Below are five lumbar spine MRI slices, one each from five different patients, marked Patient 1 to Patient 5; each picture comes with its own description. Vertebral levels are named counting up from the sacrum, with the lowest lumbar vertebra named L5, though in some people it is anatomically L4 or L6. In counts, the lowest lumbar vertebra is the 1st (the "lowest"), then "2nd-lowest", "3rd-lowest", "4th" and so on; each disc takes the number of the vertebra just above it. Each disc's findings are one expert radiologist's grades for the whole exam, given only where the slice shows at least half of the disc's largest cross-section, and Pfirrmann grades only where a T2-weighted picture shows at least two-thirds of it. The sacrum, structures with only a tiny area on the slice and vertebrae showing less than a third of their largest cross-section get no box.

Patient 1 of 5:
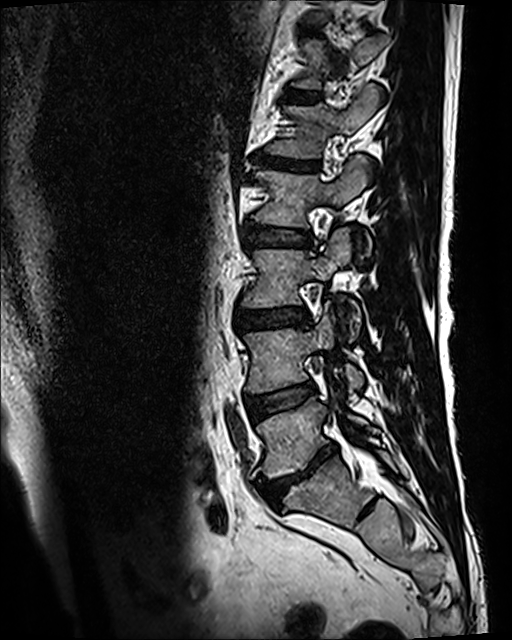

512x640 px | Sex M | Lumbar spine MR, T2 SPACE (3D), sagittal
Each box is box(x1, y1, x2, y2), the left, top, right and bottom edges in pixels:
{"L2/L3 (4th disc)": "box(244, 224, 311, 247)", "L2 (4th vertebra)": "box(254, 155, 368, 250)", "IVD L4/L5 (2nd-lowest disc)": "box(246, 383, 314, 417)", "T11/T12 (7th disc)": "box(305, 28, 320, 37)", "L5/S1 (lowest disc)": "box(259, 446, 335, 505)", "T12/L1 (6th disc)": "box(286, 90, 320, 102)", "L4 (2nd-lowest vertebra)": "box(244, 302, 363, 392)", "L3/L4 (3rd-lowest disc)": "box(236, 307, 310, 331)", "L1/L2 (5th disc)": "box(257, 158, 319, 171)", "L3 (3rd-lowest vertebra)": "box(241, 228, 361, 337)", "T12 (6th vertebra)": "box(292, 35, 389, 89)", "L1 (5th vertebra)": "box(267, 84, 383, 158)", "L5 (lowest vertebra)": "box(257, 392, 377, 477)"}

Degenerative findings by level:
• L4/L5 (2nd-lowest disc): Modic type II
• L5/S1 (lowest disc): Pfirrmann grade 5, disc narrowing, disc bulging, Modic type II, upper-endplate change, lower-endplate change
• L3/L4 (3rd-lowest disc): Pfirrmann grade 3, disc bulging, lower-endplate change, upper-endplate change
• L2/L3 (4th disc): Pfirrmann grade 3

Patient 2 of 5:
SIEMENS Avanto_fit (1.5T), Image 384x384, Slice 11/15, Lumbar spine MR, T2-weighted, sagittal, Field of view 260x260 mm, slice spacing 4.8 mm, Sex F
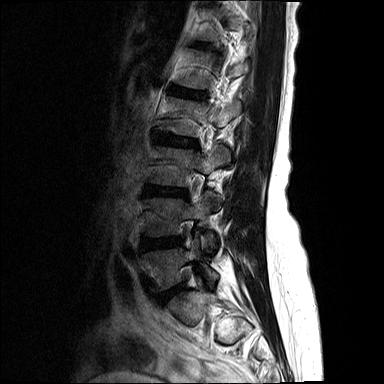
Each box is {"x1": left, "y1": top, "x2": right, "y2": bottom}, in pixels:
L3 vertebra: {"x1": 151, "y1": 145, "x2": 229, "y2": 207}
L2/L3: {"x1": 155, "y1": 134, "x2": 197, "y2": 147}
L5/S1: {"x1": 159, "y1": 285, "x2": 184, "y2": 303}
L4/L5: {"x1": 143, "y1": 237, "x2": 183, "y2": 249}
L5 vertebra: {"x1": 145, "y1": 235, "x2": 218, "y2": 290}
L2: {"x1": 159, "y1": 97, "x2": 241, "y2": 136}
L1: {"x1": 178, "y1": 49, "x2": 249, "y2": 88}
L4: {"x1": 145, "y1": 191, "x2": 216, "y2": 248}
L1/L2: {"x1": 173, "y1": 88, "x2": 203, "y2": 98}
disc L3/L4: {"x1": 145, "y1": 186, "x2": 187, "y2": 196}

Per-level radiological findings:
- L2/L3: Pfirrmann grade 3, lower-endplate change, disc bulging, upper-endplate change
- L4/L5: disc bulging
- L3/L4: disc narrowing, lower-endplate change, upper-endplate change, disc bulging
- L1/L2: no Modic or endplate change, herniation, narrowing, bulging or spondylolisthesis recorded

Patient 3 of 5:
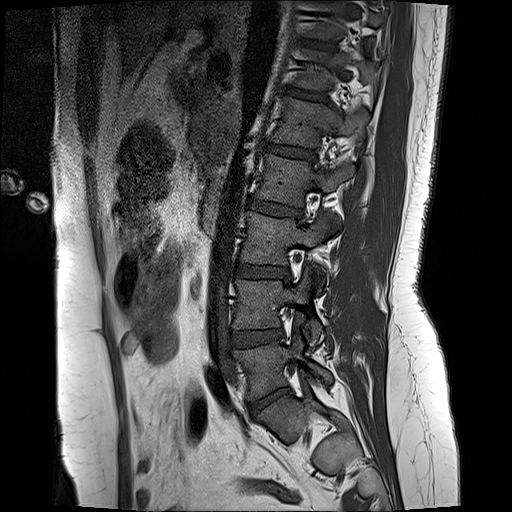

MRI lumbar spine (T1-weighted), sagittal plane | Image 512x512 | Slice 14/17
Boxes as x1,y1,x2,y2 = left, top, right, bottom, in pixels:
Annotations:
- 6th disc at 292,91,326,102
- 4th vertebra at 256,156,354,206
- 4th disc at 247,199,300,219
- lowest disc at 250,389,289,413
- 7th disc at 304,42,333,49
- lowest vertebra at 235,334,332,398
- 5th disc at 262,145,315,162
- 5th vertebra at 272,99,367,147
- 2nd-lowest disc at 232,330,284,347
- 3rd-lowest vertebra at 242,214,339,265
- 2nd-lowest vertebra at 235,267,321,345
- 3rd-lowest disc at 235,264,288,279

Expert MSK radiologist gradings (per disc):
• 6th disc: upper-endplate change, lower-endplate change
• 3rd-lowest disc: disc bulging
• 2nd-lowest disc: disc bulging
• 4th disc: disc bulging, lower-endplate change, upper-endplate change
• lowest disc: disc herniation, disc narrowing, disc bulging
• 5th disc: lower-endplate change, upper-endplate change

Patient 4 of 5:
Slice 9/15 | MRI lumbar spine (T2-weighted), sagittal plane | 320x320 px | Patient sex: F 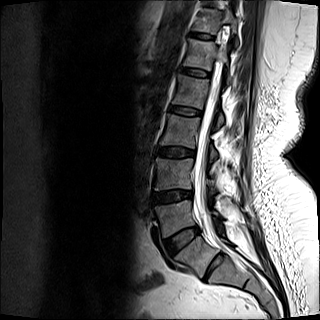

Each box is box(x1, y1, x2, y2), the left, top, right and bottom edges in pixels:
5th disc: box(181, 68, 210, 77)
2nd-lowest disc: box(153, 190, 192, 203)
4th vertebra: box(172, 74, 223, 128)
lowest vertebra: box(154, 200, 221, 237)
6th disc: box(191, 33, 213, 39)
3rd-lowest disc: box(158, 147, 195, 157)
6th vertebra: box(193, 8, 238, 46)
lowest disc: box(163, 226, 200, 255)
4th disc: box(169, 106, 202, 115)
5th vertebra: box(184, 38, 230, 83)
3rd-lowest vertebra: box(160, 114, 217, 163)
2nd-lowest vertebra: box(154, 158, 218, 190)
spinal canal: box(194, 75, 220, 229)

Radiological gradings:
  5th disc: Pfirrmann grade 2
  lowest disc: Pfirrmann grade 2
  4th disc: Pfirrmann grade 2
  2nd-lowest disc: Pfirrmann grade 3, disc narrowing, Modic type II, disc bulging
  3rd-lowest disc: Pfirrmann grade 2, lower-endplate change
  6th disc: Pfirrmann grade 2

Patient 5 of 5:
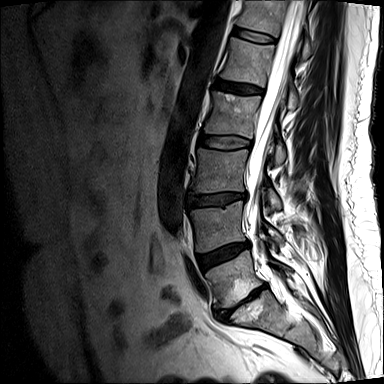
Slice 10/15; Lumbar spine MR, T2-weighted, sagittal

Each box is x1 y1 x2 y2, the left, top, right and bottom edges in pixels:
L2 at 203 91 284 163, L3/L4 at 188 193 246 207, T12 vertebra at 236 0 311 58, L5 vertebra at 205 241 292 306, L4/L5 at 198 241 248 268, L1/L2 at 215 80 262 95, IVD L2/L3 at 198 134 250 149, spinal canal at 247 0 302 258, L1 at 219 38 296 109, L4 at 190 200 282 251, L5/S1 at 222 284 265 315, T12/L1 at 231 28 275 43, L3 at 190 148 280 209.

Degenerative findings by level:
  L1/L2: Pfirrmann grade 4, upper-endplate change
  L5/S1: Pfirrmann grade 5, upper-endplate change, lower-endplate change, Modic type II, disc bulging, disc narrowing
  L4/L5: Pfirrmann grade 4, disc narrowing, lower-endplate change, disc bulging
  T12/L1: Pfirrmann grade 2
  L3/L4: Pfirrmann grade 1, disc bulging
  L2/L3: Pfirrmann grade 1